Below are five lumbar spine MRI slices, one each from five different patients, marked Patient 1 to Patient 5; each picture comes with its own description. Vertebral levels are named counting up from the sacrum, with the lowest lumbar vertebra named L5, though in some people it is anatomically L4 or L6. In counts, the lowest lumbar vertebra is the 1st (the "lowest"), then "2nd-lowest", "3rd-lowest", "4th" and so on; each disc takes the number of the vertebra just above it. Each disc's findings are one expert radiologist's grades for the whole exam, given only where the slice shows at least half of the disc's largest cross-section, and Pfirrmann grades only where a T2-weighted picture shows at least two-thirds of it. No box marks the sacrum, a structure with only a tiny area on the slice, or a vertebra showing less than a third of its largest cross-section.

Patient 1 of 5:
Sagittal T2 SPACE (3D) lumbar spine MRI

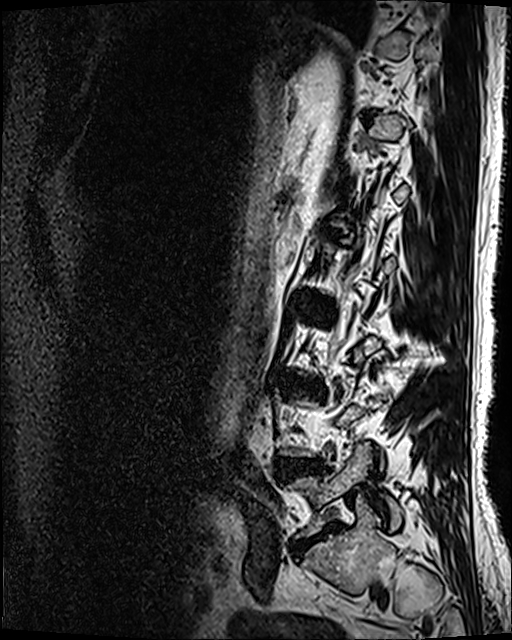 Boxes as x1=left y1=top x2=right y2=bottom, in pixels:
L5/S1 at x1=290 y1=524 x2=335 y2=553, L5 at x1=285 y1=444 x2=402 y2=537, L3/L4 at x1=283 y1=378 x2=322 y2=394, L2/L3 at x1=316 y1=306 x2=334 y2=319, L4/L5 at x1=276 y1=460 x2=320 y2=475.

Patient 2 of 5:
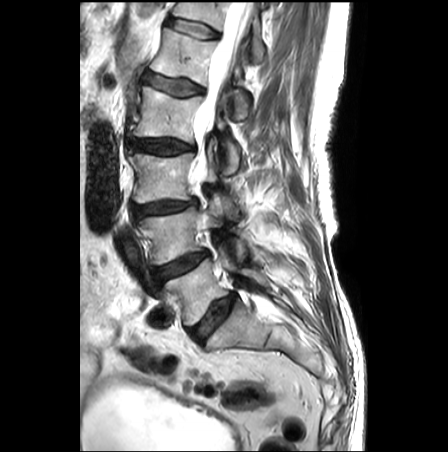 MRI lumbar spine (T2-weighted), sagittal plane, 448x452 px, Field of view 280x283 mm, slice spacing 3.3 mm, Sagittal slice index 9
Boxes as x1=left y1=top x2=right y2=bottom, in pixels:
Segmented structures:
* L1 = x1=151 y1=28 x2=248 y2=119
* L3 = x1=129 y1=143 x2=237 y2=217
* intervertebral disc L5/S1 = x1=191 y1=294 x2=235 y2=343
* intervertebral disc L1/L2 = x1=142 y1=71 x2=203 y2=95
* T12 vertebra = x1=173 y1=2 x2=264 y2=63
* thecal sac / spinal canal = x1=189 y1=2 x2=253 y2=182
* intervertebral disc L2/L3 = x1=128 y1=137 x2=193 y2=154
* L4 = x1=139 y1=197 x2=247 y2=264
* T12/L1 = x1=167 y1=18 x2=218 y2=38
* L5 vertebra = x1=166 y1=246 x2=268 y2=325
* L2 vertebra = x1=135 y1=86 x2=239 y2=174
* intervertebral disc L3/L4 = x1=134 y1=198 x2=197 y2=217
* intervertebral disc L4/L5 = x1=154 y1=252 x2=208 y2=284

Radiological gradings:
• L3/L4: Pfirrmann grade 3, disc narrowing, disc bulging
• L1/L2: Pfirrmann grade 2, disc bulging, upper-endplate change, lower-endplate change, Modic type II
• T12/L1: Pfirrmann grade 1
• L5/S1: Pfirrmann grade 3, disc bulging
• L4/L5: Pfirrmann grade 3, disc bulging
• L2/L3: Pfirrmann grade 3, disc bulging

Patient 3 of 5:
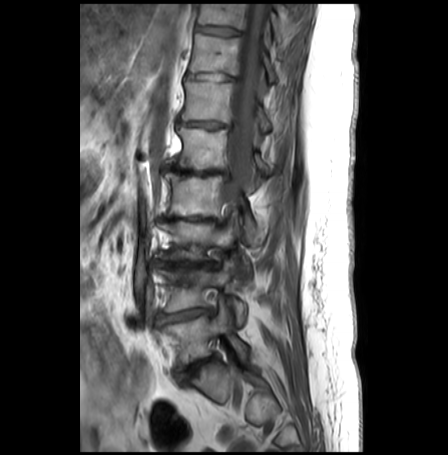
Lumbar spine MR, T1-weighted, sagittal.

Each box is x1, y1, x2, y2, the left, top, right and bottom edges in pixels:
3rd-lowest vertebra: 155, 219, 248, 271
6th vertebra: 181, 81, 270, 130
7th disc: 187, 71, 232, 80
4th disc: 159, 217, 221, 224
8th vertebra: 198, 4, 283, 40
7th vertebra: 190, 33, 274, 81
5th vertebra: 169, 127, 269, 185
2nd-lowest vertebra: 155, 256, 246, 323
5th disc: 162, 164, 229, 179
lowest vertebra: 163, 303, 247, 369
8th disc: 196, 25, 238, 35
thecal sac / spinal canal: 221, 4, 267, 205
3rd-lowest disc: 153, 259, 217, 267
6th disc: 177, 119, 229, 127
4th vertebra: 165, 172, 254, 229
lowest disc: 178, 354, 217, 376
2nd-lowest disc: 159, 308, 211, 322

Degenerative findings by level:
• 6th disc: disc narrowing, disc bulging, upper-endplate change, lower-endplate change, Modic type II
• 3rd-lowest disc: lower-endplate change, disc bulging, Modic type II, upper-endplate change, disc narrowing
• 5th disc: Modic type II, upper-endplate change, disc narrowing, lower-endplate change, disc bulging
• 2nd-lowest disc: disc bulging, Modic type II, disc narrowing, lower-endplate change, upper-endplate change, disc herniation
• 7th disc: disc bulging
• 8th disc: no herniation, bulging, narrowing, spondylolisthesis, endplate or Modic change recorded

Patient 4 of 5:
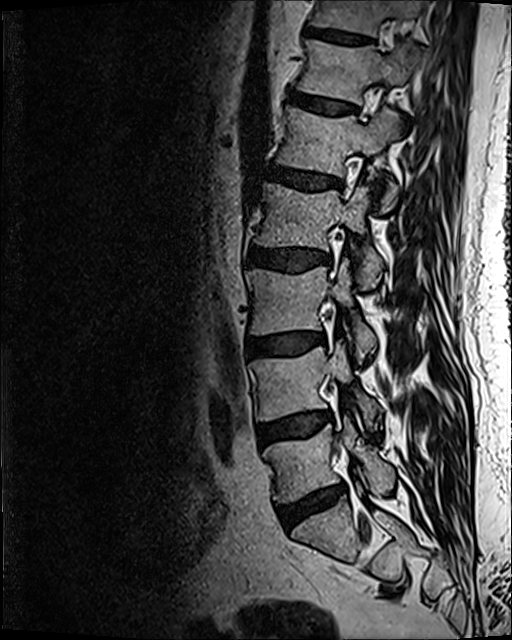 T2 SPACE (3D) sagittal MRI of the lumbar spine | Slice 77/120 | Field of view 240x300 mm, slice spacing 0.9 mm
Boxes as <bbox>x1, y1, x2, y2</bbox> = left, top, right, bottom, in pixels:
Intervertebral disc T11/T12: <bbox>305, 27, 372, 44</bbox>.
T11: <bbox>308, 0, 422, 36</bbox>.
L2/L3: <bbox>250, 247, 330, 272</bbox>.
Intervertebral disc L4/L5: <bbox>257, 412, 327, 447</bbox>.
L5/S1: <bbox>277, 487, 344, 529</bbox>.
L1/L2: <bbox>269, 164, 340, 191</bbox>.
L1: <bbox>276, 107, 399, 212</bbox>.
Intervertebral disc T12/L1: <bbox>290, 92, 355, 113</bbox>.
L3 vertebra: <bbox>245, 262, 376, 357</bbox>.
L5: <bbox>263, 418, 394, 502</bbox>.
L3/L4: <bbox>247, 332, 321, 356</bbox>.
L2: <bbox>254, 183, 382, 287</bbox>.
T12: <bbox>297, 39, 426, 103</bbox>.
L4 vertebra: <bbox>251, 343, 379, 421</bbox>.

Per-level radiological findings:
- L3/L4: Pfirrmann grade 2, Modic type II, disc bulging
- T12/L1: Pfirrmann grade 2
- L5/S1: Pfirrmann grade 3, disc narrowing, Modic type II, disc bulging
- L4/L5: Pfirrmann grade 2, Modic type II, disc bulging
- L1/L2: Pfirrmann grade 3, disc bulging
- T11/T12: Pfirrmann grade 3
- L2/L3: Pfirrmann grade 3, disc bulging

Patient 5 of 5:
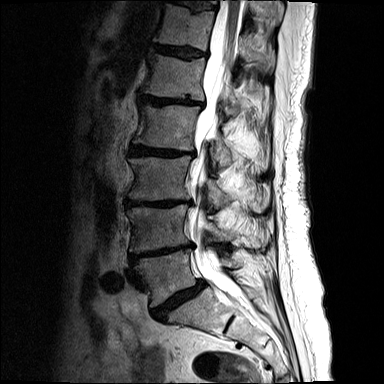

Image 384x384 | MRI lumbar spine (T2-weighted), sagittal plane | Slice 11/17
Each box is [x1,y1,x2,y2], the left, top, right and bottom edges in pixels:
thecal sac / spinal canal at [188,0,240,296] | intervertebral disc L5/S1 at [153,282,204,320] | T11 at [249,0,283,23] | intervertebral disc T12/L1 at [151,44,206,58] | L5 at [136,250,243,306] | T12 vertebra at [153,3,275,69] | L4 vertebra at [128,205,269,252] | intervertebral disc T11/T12 at [179,1,215,11] | L2/L3 at [130,145,193,156] | L2 vertebra at [133,105,268,169] | L1 vertebra at [143,52,269,115] | L3 vertebra at [129,156,269,212] | L3/L4 at [126,200,191,207] | intervertebral disc L1/L2 at [141,95,202,105] | L4/L5 at [130,245,192,262]

Per-level radiological findings:
  L1/L2: Pfirrmann grade 5, upper-endplate change, disc narrowing, Modic type II, disc bulging, lower-endplate change
  L4/L5: Pfirrmann grade 5, disc narrowing, disc bulging, upper-endplate change, lower-endplate change, Modic type II
  T12/L1: Pfirrmann grade 4, disc bulging, Modic type II, lower-endplate change, upper-endplate change
  L2/L3: Pfirrmann grade 5, upper-endplate change, disc narrowing, disc bulging, Modic type II, lower-endplate change
  L5/S1: Pfirrmann grade 5, upper-endplate change, disc narrowing, Modic type II, disc bulging, lower-endplate change, spondylolisthesis
  T11/T12: Pfirrmann grade 4, disc bulging, upper-endplate change, lower-endplate change, Modic type II
  L3/L4: Pfirrmann grade 5, Modic type II, disc narrowing, lower-endplate change, disc bulging, upper-endplate change